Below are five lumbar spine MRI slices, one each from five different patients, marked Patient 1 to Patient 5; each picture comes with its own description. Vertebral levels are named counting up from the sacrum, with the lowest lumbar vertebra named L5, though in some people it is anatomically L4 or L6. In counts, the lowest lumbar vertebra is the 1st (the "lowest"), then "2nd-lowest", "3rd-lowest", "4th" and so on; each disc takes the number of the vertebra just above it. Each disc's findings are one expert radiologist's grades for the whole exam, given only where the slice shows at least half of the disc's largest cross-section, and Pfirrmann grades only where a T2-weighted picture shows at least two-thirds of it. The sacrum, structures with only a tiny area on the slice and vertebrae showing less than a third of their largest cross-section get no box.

Patient 1 of 5:
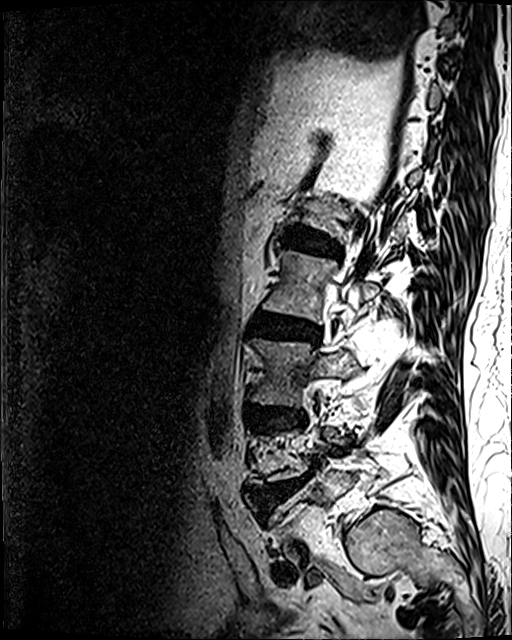 Patient sex: M; Slice 32 of 120; Lumbar spine MR, T2 SPACE (3D), sagittal; Image 512x640
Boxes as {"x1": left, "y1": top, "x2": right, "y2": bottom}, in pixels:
Structures:
* L2/L3: {"x1": 250, "y1": 314, "x2": 319, "y2": 341}
* L4/L5: {"x1": 252, "y1": 480, "x2": 302, "y2": 507}
* intervertebral disc L3/L4: {"x1": 256, "y1": 407, "x2": 305, "y2": 425}
* L2: {"x1": 262, "y1": 250, "x2": 379, "y2": 323}
* L3 vertebra: {"x1": 252, "y1": 338, "x2": 355, "y2": 406}
* intervertebral disc L1/L2: {"x1": 288, "y1": 228, "x2": 339, "y2": 255}

Degenerative findings by level:
- L3/L4: upper-endplate change, lower-endplate change, disc bulging, disc narrowing
- L1/L2: disc narrowing, disc bulging, lower-endplate change, upper-endplate change
- L2/L3: Pfirrmann grade 4, lower-endplate change, disc bulging, disc narrowing, Modic type II, upper-endplate change
- L4/L5: upper-endplate change, lower-endplate change, disc bulging, disc herniation, disc narrowing, Modic type II

Patient 2 of 5:
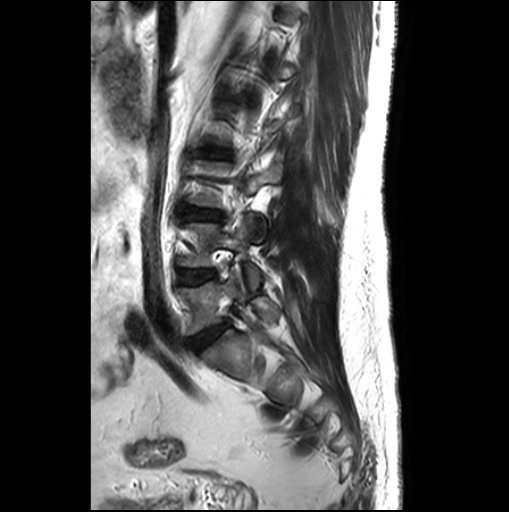 MRI lumbar spine (T2-weighted), sagittal plane

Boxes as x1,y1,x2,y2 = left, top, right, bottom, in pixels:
4th disc at 200,148,230,158; lowest disc at 188,323,228,352; 2nd-lowest disc at 179,270,214,283; lowest vertebra at 177,268,278,335; 2nd-lowest vertebra at 181,218,260,290; 3rd-lowest disc at 185,207,222,220.

Patient 3 of 5:
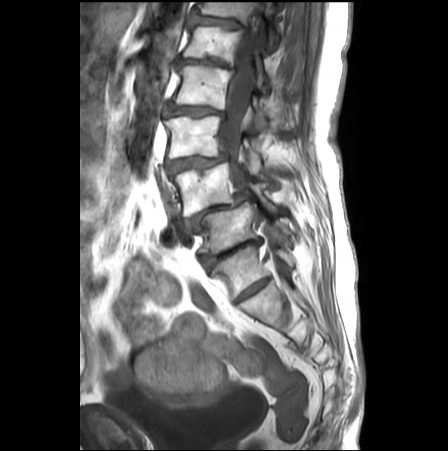 T1-weighted sagittal MRI of the lumbar spine, Sex F
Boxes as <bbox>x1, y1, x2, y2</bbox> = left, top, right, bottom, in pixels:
thecal sac / spinal canal: <bbox>219, 34, 255, 188</bbox>
5th disc: <bbox>177, 57, 235, 71</bbox>
lowest disc: <bbox>200, 238, 262, 272</bbox>
3rd-lowest disc: <bbox>165, 155, 226, 173</bbox>
6th disc: <bbox>189, 11, 246, 32</bbox>
5th vertebra: <bbox>184, 26, 267, 92</bbox>
3rd-lowest vertebra: <bbox>164, 116, 261, 173</bbox>
4th disc: <bbox>163, 103, 226, 118</bbox>
2nd-lowest disc: <bbox>182, 190, 253, 232</bbox>
2nd-lowest vertebra: <bbox>170, 163, 276, 216</bbox>
lowest vertebra: <bbox>201, 202, 291, 253</bbox>
6th vertebra: <bbox>194, 2, 278, 51</bbox>
4th vertebra: <bbox>172, 64, 267, 127</bbox>

Per-level radiological findings:
- lowest disc: lower-endplate change, Modic type II, disc bulging, upper-endplate change, disc herniation, disc narrowing
- 5th disc: lower-endplate change, disc narrowing, disc bulging
- 6th disc: lower-endplate change, upper-endplate change, disc bulging
- 4th disc: spondylolisthesis, lower-endplate change, upper-endplate change, disc bulging, disc narrowing, Modic type II
- 3rd-lowest disc: lower-endplate change, upper-endplate change, disc narrowing, spondylolisthesis, disc bulging, Modic type II
- 2nd-lowest disc: upper-endplate change, lower-endplate change, Modic type II, spondylolisthesis, disc herniation, disc narrowing, disc bulging

Patient 4 of 5:
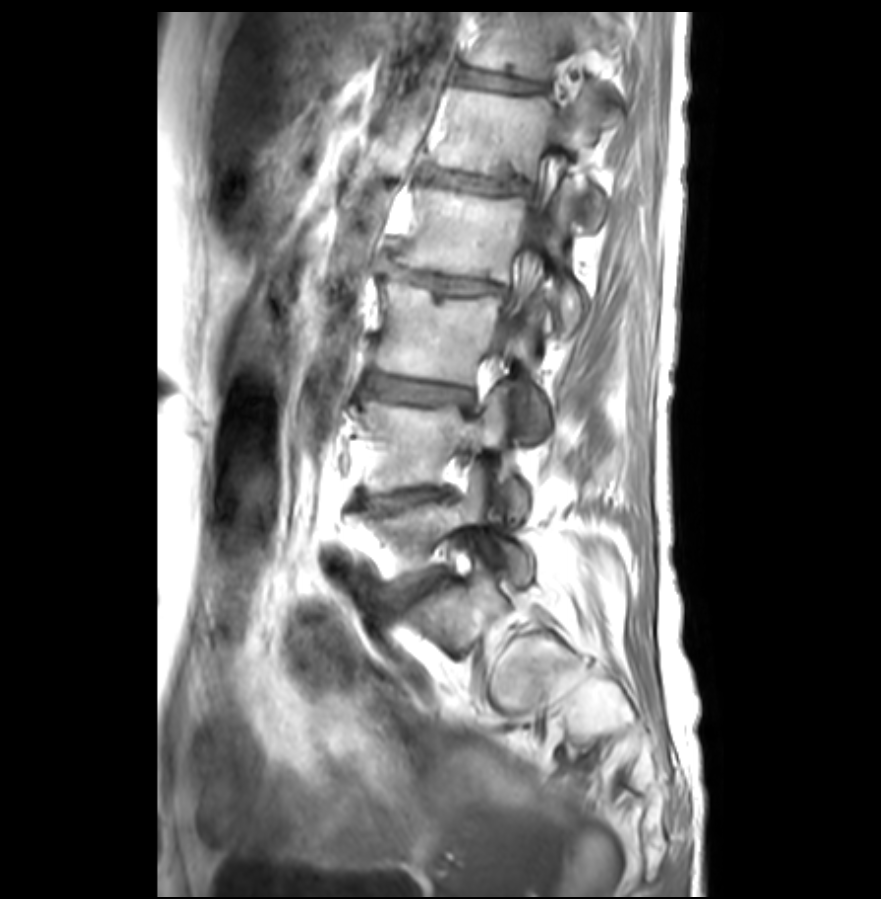
Image 881x899 | Lumbar spine MR, T1-weighted, sagittal | Field of view 280x286 mm

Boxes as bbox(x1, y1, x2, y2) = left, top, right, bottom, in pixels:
Intervertebral disc L3/L4: bbox(366, 372, 469, 403).
T12: bbox(464, 13, 621, 124).
L2/L3: bbox(376, 252, 506, 294).
Intervertebral disc L1/L2: bbox(423, 168, 532, 193).
L3 vertebra: bbox(376, 281, 550, 440).
Thecal sac / spinal canal: bbox(506, 210, 546, 328).
L5/S1: bbox(397, 572, 444, 605).
Intervertebral disc L4/L5: bbox(356, 488, 453, 512).
L1: bbox(433, 90, 609, 227).
L5 vertebra: bbox(356, 480, 534, 588).
Intervertebral disc T12/L1: bbox(458, 69, 548, 92).
L4 vertebra: bbox(354, 389, 530, 517).
L2 vertebra: bbox(397, 183, 587, 333).

Degenerative findings by level:
  L2/L3: disc bulging, upper-endplate change, Modic type II, disc narrowing, disc herniation, lower-endplate change
  L4/L5: Modic type II, disc bulging, disc narrowing
  L1/L2: upper-endplate change, lower-endplate change, Modic type II
  T12/L1: upper-endplate change, lower-endplate change
  L3/L4: Modic type II, disc bulging

Patient 5 of 5:
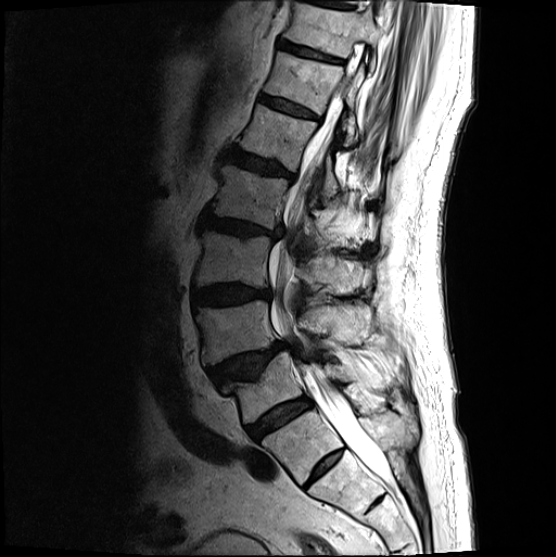 Slice 9 of 20; 556x557 px; Sagittal T2-weighted lumbar spine MRI
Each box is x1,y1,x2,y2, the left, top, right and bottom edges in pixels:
Segmented structures:
- T12 vertebra: 264,52,364,144
- disc L2/L3: 200,212,282,239
- T11: 283,0,381,71
- L5 vertebra: 225,351,382,437
- L3: 194,230,354,294
- thecal sac / spinal canal: 268,88,388,478
- L4: 195,300,369,365
- T11/T12: 278,40,342,62
- disc L3/L4: 192,283,270,307
- L1 vertebra: 239,104,338,204
- L2: 208,164,326,246
- L5/S1: 246,396,312,439
- disc T12/L1: 259,94,317,118
- L1/L2: 227,148,294,179
- disc L4/L5: 208,341,289,386

Expert MSK radiologist gradings (per disc):
• L2/L3: Pfirrmann grade 4, upper-endplate change, disc bulging, disc narrowing, lower-endplate change
• L4/L5: Pfirrmann grade 4, upper-endplate change, spondylolisthesis, disc herniation
• T11/T12: Pfirrmann grade 3, lower-endplate change
• L1/L2: Pfirrmann grade 4, lower-endplate change, upper-endplate change, disc bulging
• L5/S1: Pfirrmann grade 4
• L3/L4: Pfirrmann grade 4, disc bulging
• T12/L1: Pfirrmann grade 3